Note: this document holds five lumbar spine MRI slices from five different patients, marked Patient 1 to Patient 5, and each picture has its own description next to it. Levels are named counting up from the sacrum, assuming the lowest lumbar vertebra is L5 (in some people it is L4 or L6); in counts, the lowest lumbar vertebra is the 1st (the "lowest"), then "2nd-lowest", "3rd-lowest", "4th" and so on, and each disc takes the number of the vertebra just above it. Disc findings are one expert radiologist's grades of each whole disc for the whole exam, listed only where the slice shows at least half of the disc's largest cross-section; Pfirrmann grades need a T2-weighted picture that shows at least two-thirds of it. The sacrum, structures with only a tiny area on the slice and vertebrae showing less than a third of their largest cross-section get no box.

Patient 1 of 5:
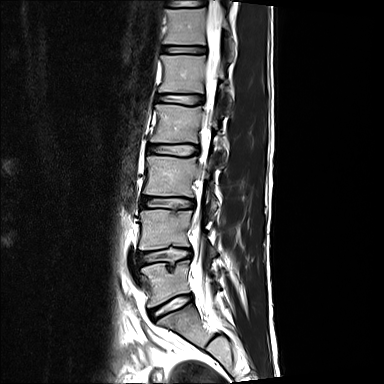
Slice 10/15. Slice spacing 4.8 mm. Sagittal T2-weighted lumbar spine MRI.

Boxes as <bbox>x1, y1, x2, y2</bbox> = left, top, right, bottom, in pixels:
T12/L1 at <bbox>163, 46, 205, 53</bbox>, disc T11/T12 at <bbox>167, 2, 205, 8</bbox>, L5 at <bbox>141, 256, 219, 307</bbox>, L2 at <bbox>150, 104, 216, 142</bbox>, spinal canal at <bbox>192, 0, 220, 311</bbox>, disc L4/L5 at <bbox>139, 248, 191, 265</bbox>, L2/L3 at <bbox>148, 145, 198, 155</bbox>, disc L5/S1 at <bbox>149, 294, 192, 319</bbox>, L1 vertebra at <bbox>159, 55, 231, 103</bbox>, T12 at <bbox>164, 8, 234, 55</bbox>, T11 vertebra at <bbox>170, 0, 200, 5</bbox>, L3/L4 at <bbox>142, 197, 194, 208</bbox>, L3 vertebra at <bbox>144, 156, 217, 212</bbox>, disc L1/L2 at <bbox>156, 95, 202, 104</bbox>, L4 at <bbox>139, 210, 215, 257</bbox>.

Per-level radiological findings:
• L4/L5: Pfirrmann grade 2, upper-endplate change, lower-endplate change, disc bulging
• L3/L4: Pfirrmann grade 2, disc narrowing, upper-endplate change, lower-endplate change
• T12/L1: Pfirrmann grade 2, upper-endplate change, lower-endplate change
• T11/T12: Pfirrmann grade 2, upper-endplate change
• L1/L2: Pfirrmann grade 2
• L5/S1: Pfirrmann grade 2, upper-endplate change
• L2/L3: Pfirrmann grade 2, lower-endplate change

Patient 2 of 5:
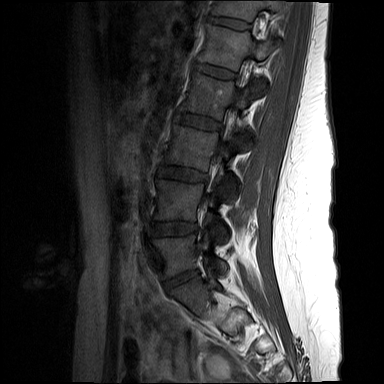 Sex F; Sagittal T1-weighted lumbar spine MRI

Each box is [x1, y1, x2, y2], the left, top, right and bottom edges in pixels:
L3/L4 at [159, 167, 205, 181].
L3 at [165, 124, 236, 192].
T12 at [212, 0, 281, 21].
Intervertebral disc L2/L3 at [176, 114, 219, 129].
L2 at [180, 72, 249, 148].
Thecal sac / spinal canal at [205, 33, 257, 200].
L4 at [155, 180, 227, 237].
L4/L5 at [154, 222, 196, 235].
L5 at [152, 233, 226, 278].
L5/S1 at [164, 270, 197, 288].
L1 at [198, 24, 274, 93].
L1/L2 at [197, 65, 234, 78].
Intervertebral disc T12/L1 at [210, 17, 249, 29].

Per-level radiological findings:
  L4/L5, L3/L4, T12/L1, L1/L2, L5/S1, L2/L3: no spondylolisthesis, narrowing, bulging, herniation, Modic or endplate change recorded

Patient 3 of 5:
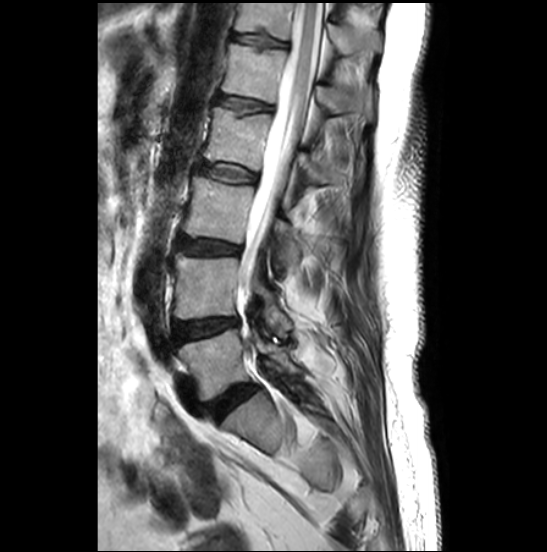 MRI lumbar spine (T2-weighted), sagittal plane, Slice 17 of 27, Field of view 280x282 mm

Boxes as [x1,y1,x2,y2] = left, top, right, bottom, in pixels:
Intervertebral disc L4/L5 = [173,318,237,341].
Intervertebral disc L1/L2 = [217,95,273,114].
Intervertebral disc L3/L4 = [180,238,240,253].
L3 = [181,176,307,271].
Thecal sac / spinal canal = [239,3,323,294].
T12 = [236,3,381,58].
L4 vertebra = [173,253,291,335].
L5 vertebra = [178,329,298,400].
L2 vertebra = [203,107,337,185].
L5/S1 = [206,384,257,419].
L1 vertebra = [222,44,373,122].
L2/L3 = [199,164,256,182].
Intervertebral disc T12/L1 = [232,33,286,46].

Radiological gradings:
  T12/L1: Pfirrmann grade 2, lower-endplate change, upper-endplate change
  L1/L2: Pfirrmann grade 2, upper-endplate change
  L4/L5: Pfirrmann grade 3, disc bulging
  L2/L3: Pfirrmann grade 2
  L5/S1: Pfirrmann grade 4, disc bulging
  L3/L4: Pfirrmann grade 4, disc bulging

Patient 4 of 5:
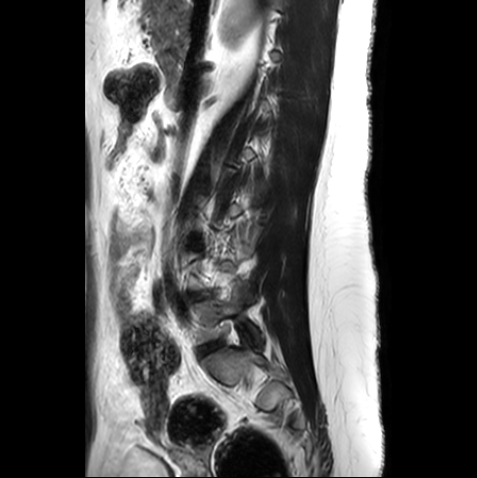

Image 477x478; T2-weighted sagittal MRI of the lumbar spine; Sagittal slice index 5; Patient sex: F
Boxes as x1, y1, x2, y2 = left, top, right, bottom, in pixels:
Lowest vertebra: 194, 282, 260, 342.
Lowest disc: 201, 341, 222, 354.

Patient 5 of 5:
MRI lumbar spine (T1-weighted), sagittal plane, Scanner: SIEMENS Avanto_fit (1.5T)
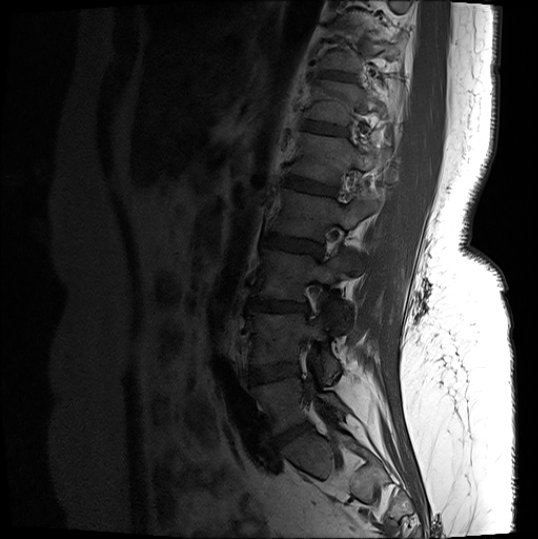 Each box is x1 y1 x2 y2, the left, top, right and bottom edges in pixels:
{"L5": "252 375 347 434", "IVD L1/L2": "286 176 337 195", "T12": "305 79 386 126", "L3 vertebra": "252 247 352 330", "IVD L3/L4": "249 300 308 312", "L4 vertebra": "248 313 341 381", "T11 vertebra": "320 31 403 72", "IVD L5/S1": "276 424 308 446", "L2 vertebra": "271 189 379 267", "IVD L4/L5": "250 364 299 383", "IVD T12/L1": "303 121 347 136", "IVD L2/L3": "263 233 322 256", "T11/T12": "319 71 356 81", "L1": "289 133 381 185"}

Degenerative findings by level:
• L2/L3: upper-endplate change, lower-endplate change, disc bulging
• L3/L4: lower-endplate change, upper-endplate change, disc narrowing, Modic type II, disc bulging
• T12/L1: upper-endplate change, lower-endplate change
• L1/L2: upper-endplate change, Modic type II, lower-endplate change
• L4/L5: lower-endplate change, disc bulging, Modic type II